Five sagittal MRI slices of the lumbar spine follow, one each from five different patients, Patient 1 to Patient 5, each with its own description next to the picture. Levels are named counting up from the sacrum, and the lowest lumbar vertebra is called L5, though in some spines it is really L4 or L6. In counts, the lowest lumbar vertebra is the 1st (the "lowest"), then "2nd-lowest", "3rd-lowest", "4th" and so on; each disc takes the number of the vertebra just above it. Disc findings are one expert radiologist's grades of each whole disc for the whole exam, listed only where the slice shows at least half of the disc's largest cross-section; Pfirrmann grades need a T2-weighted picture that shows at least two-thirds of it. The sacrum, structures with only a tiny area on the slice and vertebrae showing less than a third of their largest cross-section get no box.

Patient 1 of 5:
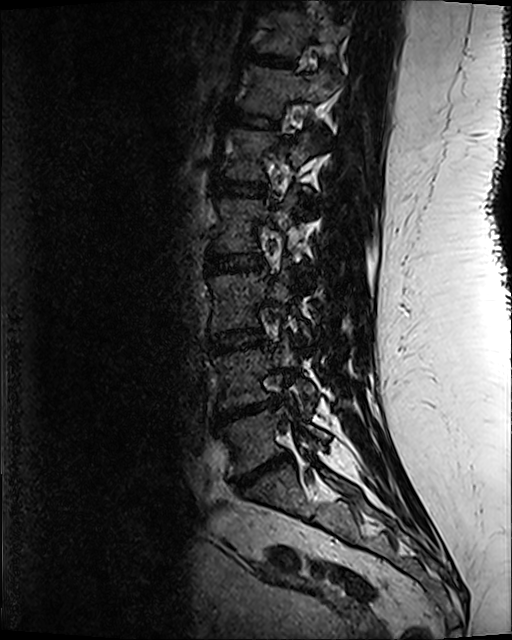 Image 512x640, Slice 76 of 120, Sagittal T2 SPACE (3D) lumbar spine MRI

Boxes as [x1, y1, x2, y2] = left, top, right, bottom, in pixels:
IVD L2/L3 at [206, 253, 263, 273], IVD L1/L2 at [216, 179, 267, 196], IVD T10/T11 at [271, 0, 299, 7], IVD T12/L1 at [227, 109, 277, 129], L4 vertebra at [214, 338, 315, 409], T12 at [242, 65, 336, 114], L2 vertebra at [214, 196, 296, 251], T11/T12 at [252, 55, 291, 65], L1 at [227, 129, 316, 179], L3 vertebra at [210, 268, 309, 341], T11 vertebra at [258, 10, 344, 55], L3/L4 at [209, 331, 264, 352], L5 at [223, 404, 329, 475], IVD L5/S1 at [229, 454, 288, 491], L4/L5 at [216, 399, 276, 421].

Expert MSK radiologist gradings (per disc):
- T11/T12: lower-endplate change
- T12/L1: Pfirrmann grade 3
- L3/L4: Pfirrmann grade 3
- L5/S1: Modic type II, lower-endplate change, upper-endplate change, disc herniation, disc narrowing
- L2/L3: Pfirrmann grade 3, lower-endplate change, upper-endplate change
- L1/L2: Pfirrmann grade 3, lower-endplate change

Patient 2 of 5:
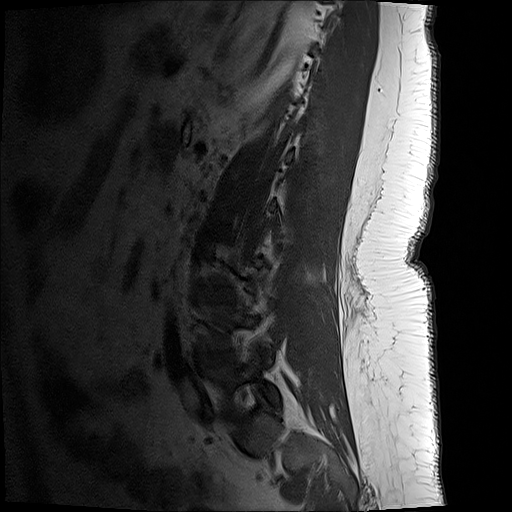 Lumbar spine MR, T1-weighted, sagittal, Field of view 300x300 mm, slice spacing 3.3 mm

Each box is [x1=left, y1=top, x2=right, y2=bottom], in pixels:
Annotations:
• L3/L4 (3rd-lowest disc): [x1=198, y1=283, x2=235, y2=302]
• L4/L5 (2nd-lowest disc): [x1=200, y1=350, x2=234, y2=367]
• IVD L5/S1 (lowest disc): [x1=226, y1=407, x2=238, y2=416]
• L5 (lowest vertebra): [x1=205, y1=354, x2=281, y2=408]

Patient 3 of 5:
Sagittal T2-weighted lumbar spine MRI. Sex M.

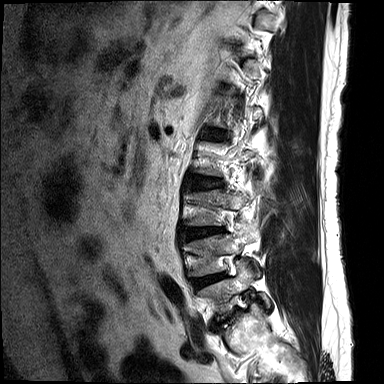 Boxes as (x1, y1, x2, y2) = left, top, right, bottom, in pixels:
{"L3 (3rd-lowest vertebra)": "(186, 188, 257, 225)", "disc L2/L3 (4th disc)": "(194, 178, 222, 187)", "disc L4/L5 (2nd-lowest disc)": "(192, 274, 224, 287)", "L5 (lowest vertebra)": "(198, 262, 270, 315)", "L3/L4 (3rd-lowest disc)": "(184, 228, 223, 238)", "L4 (2nd-lowest vertebra)": "(189, 232, 260, 276)"}

Radiological gradings:
  L3/L4 (3rd-lowest disc): disc narrowing, disc bulging, lower-endplate change, upper-endplate change

Patient 4 of 5:
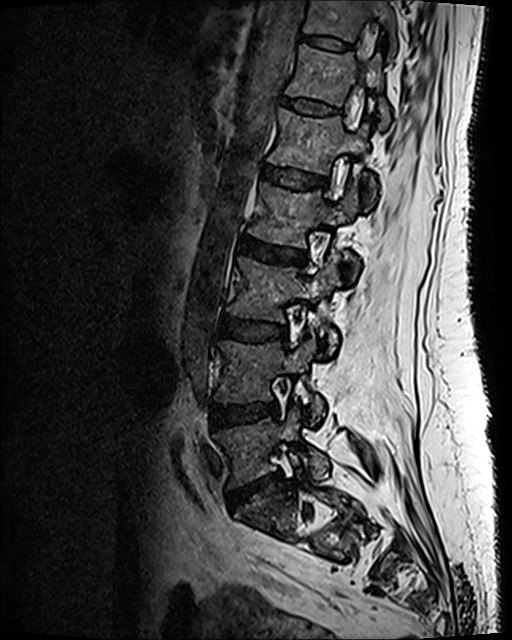 Image 512x640; Lumbar spine MR, T2 SPACE (3D), sagittal

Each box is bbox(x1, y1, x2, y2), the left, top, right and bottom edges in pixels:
L3 vertebra at bbox(227, 257, 340, 352); L2 vertebra at bbox(249, 182, 359, 277); T12 vertebra at bbox(286, 44, 390, 128); L5/S1 at bbox(229, 475, 278, 508); L5 vertebra at bbox(214, 408, 329, 486); intervertebral disc L1/L2 at bbox(261, 166, 327, 189); T12/L1 at bbox(280, 96, 337, 114); T11 at bbox(301, 0, 396, 59); L2/L3 at bbox(239, 236, 304, 264); intervertebral disc L3/L4 at bbox(220, 318, 285, 341); intervertebral disc L4/L5 at bbox(212, 401, 278, 426); L4 at bbox(215, 337, 322, 423); intervertebral disc T11/T12 at bbox(302, 36, 351, 52); L1 vertebra at bbox(268, 108, 376, 204).

Per-level radiological findings:
  L1/L2: Pfirrmann grade 2
  T12/L1: Pfirrmann grade 2
  L4/L5: disc bulging
  L2/L3: disc bulging
  T11/T12, L3/L4: no Modic or endplate change, herniation, narrowing, bulging or spondylolisthesis recorded

Patient 5 of 5:
Slice 6 of 15 | Lumbar spine MR, T1-weighted, sagittal

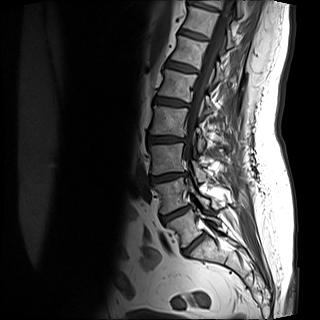

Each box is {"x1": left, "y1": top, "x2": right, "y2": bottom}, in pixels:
thecal sac / spinal canal = {"x1": 185, "y1": 0, "x2": 232, "y2": 160} | T12/L1 (6th disc) = {"x1": 166, "y1": 61, "x2": 196, "y2": 72} | intervertebral disc L2/L3 (4th disc) = {"x1": 148, "y1": 136, "x2": 185, "y2": 143} | intervertebral disc L5/S1 (lowest disc) = {"x1": 183, "y1": 234, "x2": 205, "y2": 255} | L3 (3rd-lowest vertebra) = {"x1": 149, "y1": 143, "x2": 206, "y2": 182} | T12 (6th vertebra) = {"x1": 171, "y1": 36, "x2": 224, "y2": 82} | intervertebral disc L4/L5 (2nd-lowest disc) = {"x1": 161, "y1": 206, "x2": 189, "y2": 222} | L4 (2nd-lowest vertebra) = {"x1": 154, "y1": 178, "x2": 209, "y2": 213} | intervertebral disc T10/T11 (8th disc) = {"x1": 195, "y1": 4, "x2": 217, "y2": 11} | intervertebral disc L1/L2 (5th disc) = {"x1": 155, "y1": 97, "x2": 189, "y2": 106} | T11/T12 (7th disc) = {"x1": 180, "y1": 29, "x2": 207, "y2": 39} | L1 (5th vertebra) = {"x1": 158, "y1": 69, "x2": 213, "y2": 113} | L2 (4th vertebra) = {"x1": 149, "y1": 106, "x2": 205, "y2": 151} | L5 (lowest vertebra) = {"x1": 167, "y1": 209, "x2": 221, "y2": 247} | T11 (7th vertebra) = {"x1": 184, "y1": 6, "x2": 232, "y2": 48} | L3/L4 (3rd-lowest disc) = {"x1": 151, "y1": 173, "x2": 186, "y2": 182} | T10 (8th vertebra) = {"x1": 188, "y1": 0, "x2": 241, "y2": 14}

Radiological gradings:
  L4/L5 (2nd-lowest disc): disc narrowing, disc bulging
  L3/L4 (3rd-lowest disc): disc bulging, disc narrowing
  L5/S1 (lowest disc): lower-endplate change
  L2/L3 (4th disc): disc narrowing, disc bulging
  T11/T12 (7th disc), T10/T11 (8th disc), L1/L2 (5th disc), T12/L1 (6th disc): no Modic or endplate change, herniation, narrowing, bulging or spondylolisthesis recorded